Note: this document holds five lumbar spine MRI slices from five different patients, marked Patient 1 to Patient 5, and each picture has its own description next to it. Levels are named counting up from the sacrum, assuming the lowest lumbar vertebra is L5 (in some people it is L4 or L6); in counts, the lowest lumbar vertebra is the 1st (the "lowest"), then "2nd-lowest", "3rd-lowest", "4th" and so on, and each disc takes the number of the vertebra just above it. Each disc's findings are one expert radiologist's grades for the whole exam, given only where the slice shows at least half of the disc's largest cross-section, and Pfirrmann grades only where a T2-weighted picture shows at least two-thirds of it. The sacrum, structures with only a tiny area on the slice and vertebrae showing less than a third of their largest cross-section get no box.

Patient 1 of 5:
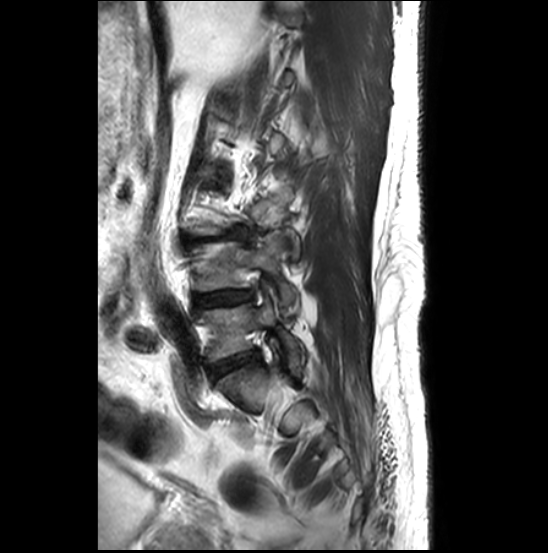

Sagittal T2-weighted lumbar spine MRI; Slice 8/27; Patient sex: M
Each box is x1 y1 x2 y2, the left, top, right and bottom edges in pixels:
L4/L5 at 196 290 251 307.
Disc L3/L4 at 182 227 246 246.
L4 vertebra at 192 236 300 316.
L5 vertebra at 198 287 301 375.
Disc L5/S1 at 211 351 257 378.

Per-level radiological findings:
  L3/L4: Modic type II, spondylolisthesis, upper-endplate change, disc herniation, lower-endplate change, disc narrowing
  L4/L5: disc narrowing, lower-endplate change, disc bulging, upper-endplate change, Modic type II

Patient 2 of 5:
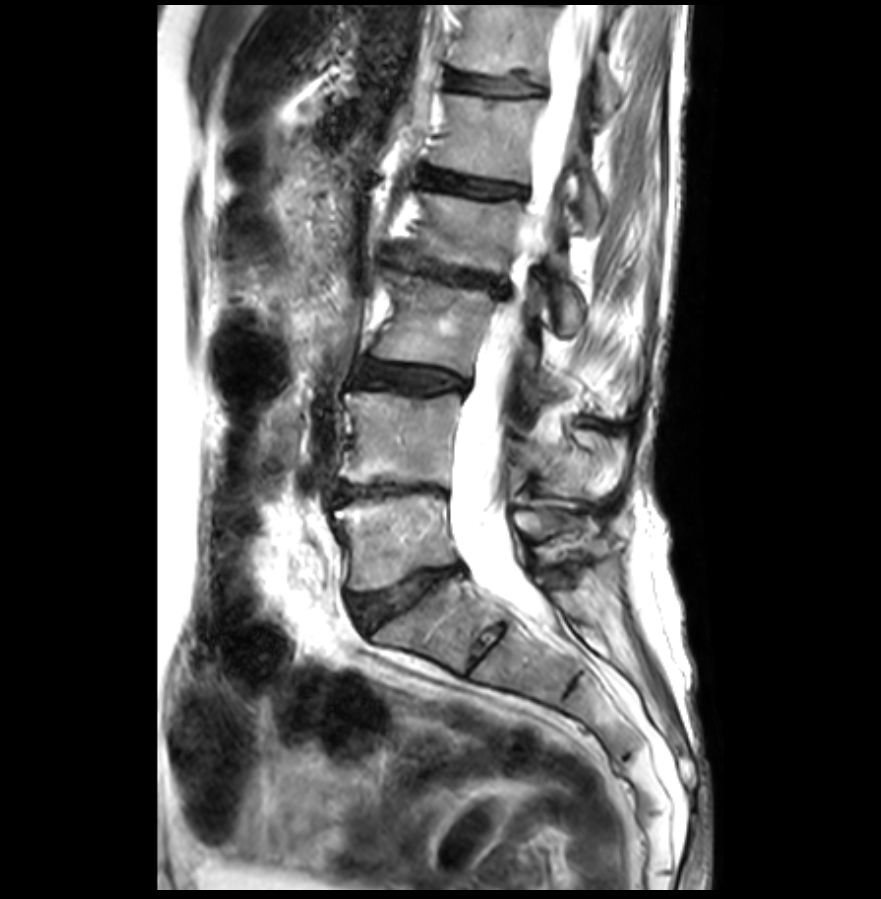

Patient sex: F. Sagittal T2-weighted lumbar spine MRI. Slice 14/31.
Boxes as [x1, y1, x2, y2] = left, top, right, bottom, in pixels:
lowest disc: [350, 567, 459, 628]
5th vertebra: [431, 94, 601, 231]
3rd-lowest disc: [360, 362, 467, 392]
lowest vertebra: [336, 491, 581, 590]
5th disc: [425, 170, 526, 197]
spinal canal: [450, 5, 597, 619]
4th disc: [380, 252, 508, 295]
2nd-lowest vertebra: [342, 393, 571, 494]
4th vertebra: [399, 192, 583, 333]
2nd-lowest disc: [338, 480, 447, 504]
6th vertebra: [452, 5, 621, 118]
3rd-lowest vertebra: [374, 270, 560, 395]
6th disc: [448, 73, 544, 95]

Radiological gradings:
  3rd-lowest disc: Pfirrmann grade 3, disc bulging, Modic type II
  6th disc: Pfirrmann grade 2, upper-endplate change, lower-endplate change
  2nd-lowest disc: disc narrowing, Modic type II, disc bulging
  4th disc: Pfirrmann grade 5, Modic type II, lower-endplate change, upper-endplate change, disc narrowing, disc herniation, disc bulging
  lowest disc: Pfirrmann grade 3, upper-endplate change, disc bulging, lower-endplate change, disc narrowing
  5th disc: Pfirrmann grade 2, Modic type II, upper-endplate change, lower-endplate change

Patient 3 of 5:
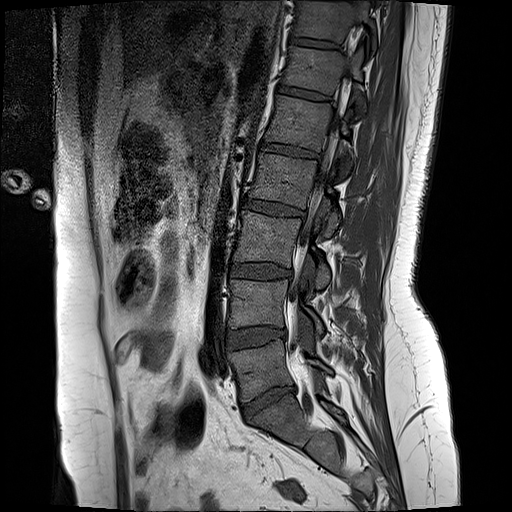 Slice spacing 3.3 mm. T1-weighted sagittal MRI of the lumbar spine. Slice 12 of 17.

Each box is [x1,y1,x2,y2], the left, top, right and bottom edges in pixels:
7th vertebra: [294,2,374,43]
thecal sac / spinal canal: [291,115,340,349]
6th vertebra: [283,47,362,94]
4th vertebra: [249,155,339,237]
5th vertebra: [266,96,348,152]
2nd-lowest disc: [228,328,285,349]
4th disc: [242,199,304,217]
lowest disc: [242,388,293,420]
6th disc: [278,86,330,104]
2nd-lowest vertebra: [230,280,324,335]
3rd-lowest vertebra: [234,212,329,289]
7th disc: [290,39,338,50]
3rd-lowest disc: [230,263,289,278]
lowest vertebra: [231,340,332,400]
5th disc: [262,144,317,158]

Degenerative findings by level:
  3rd-lowest disc: disc bulging
  4th disc: disc bulging, upper-endplate change, lower-endplate change
  6th disc: lower-endplate change, upper-endplate change
  5th disc: upper-endplate change, lower-endplate change
  2nd-lowest disc: disc bulging
  lowest disc: disc bulging, disc herniation, disc narrowing
  7th disc: no spondylolisthesis, narrowing, bulging, herniation, Modic or endplate change recorded

Patient 4 of 5:
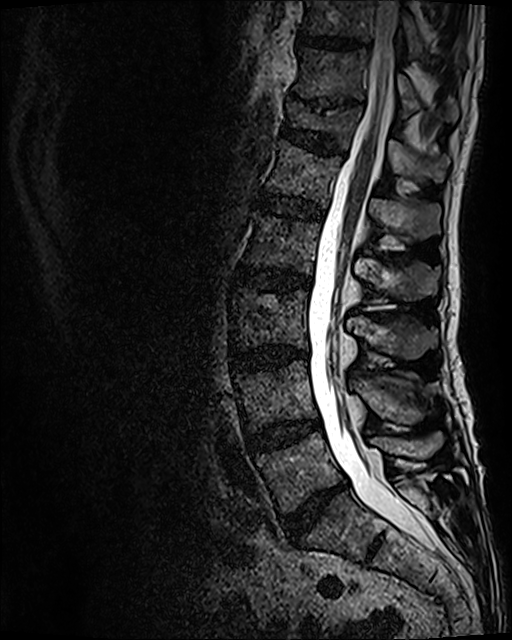 Field of view 240x300 mm. Sex M. Slice 59/120. MRI lumbar spine (T2 SPACE (3D)), sagittal plane.

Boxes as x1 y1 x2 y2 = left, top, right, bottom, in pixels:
{"thecal sac / spinal canal": "307 0 436 552", "2nd-lowest vertebra": "236 360 438 432", "8th vertebra": "303 0 464 67", "4th vertebra": "244 211 440 300", "6th vertebra": "283 101 450 182", "3rd-lowest disc": "230 347 307 370", "7th disc": "311 98 353 111", "lowest disc": "282 485 342 542", "7th vertebra": "292 48 458 122", "5th vertebra": "265 139 440 238", "8th disc": "298 36 360 48", "4th disc": "235 267 310 290", "6th disc": "281 126 343 154", "5th disc": "258 192 322 218", "3rd-lowest vertebra": "231 287 437 359", "2nd-lowest disc": "246 421 320 452", "lowest vertebra": "256 432 443 513"}

Expert MSK radiologist gradings (per disc):
  4th disc: Pfirrmann grade 3, Modic type II, disc bulging
  6th disc: Pfirrmann grade 3, upper-endplate change, lower-endplate change
  5th disc: Pfirrmann grade 3
  3rd-lowest disc: Pfirrmann grade 4, Modic type II, disc narrowing, disc bulging
  8th disc: Pfirrmann grade 3
  2nd-lowest disc: Pfirrmann grade 3, Modic type II, disc bulging
  7th disc: Pfirrmann grade 5, lower-endplate change, disc narrowing, upper-endplate change
  lowest disc: Pfirrmann grade 4, disc bulging, disc narrowing

Patient 5 of 5:
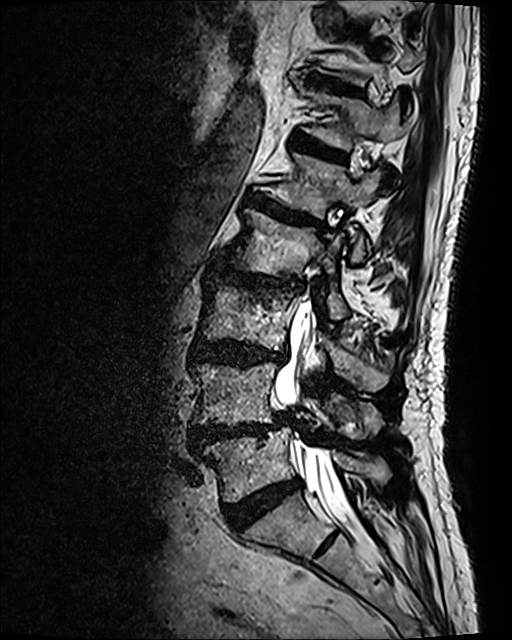 Sagittal T2 SPACE (3D) lumbar spine MRI | Field of view 240x300 mm, slice spacing 0.9 mm | Image 512x640
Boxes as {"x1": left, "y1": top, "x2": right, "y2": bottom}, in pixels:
Annotations:
- spinal canal at {"x1": 275, "y1": 303, "x2": 364, "y2": 532}
- T11/T12 at {"x1": 307, "y1": 73, "x2": 359, "y2": 94}
- T12 vertebra at {"x1": 300, "y1": 88, "x2": 410, "y2": 150}
- L5/S1 at {"x1": 224, "y1": 477, "x2": 301, "y2": 532}
- L2 at {"x1": 226, "y1": 208, "x2": 347, "y2": 320}
- disc T12/L1 at {"x1": 292, "y1": 136, "x2": 345, "y2": 161}
- disc L4/L5 at {"x1": 191, "y1": 412, "x2": 290, "y2": 450}
- L4 at {"x1": 191, "y1": 362, "x2": 383, "y2": 437}
- L3 vertebra at {"x1": 198, "y1": 278, "x2": 388, "y2": 391}
- L1 at {"x1": 271, "y1": 153, "x2": 382, "y2": 262}
- L5 vertebra at {"x1": 205, "y1": 427, "x2": 390, "y2": 501}
- disc L1/L2 at {"x1": 246, "y1": 194, "x2": 324, "y2": 228}
- disc L3/L4 at {"x1": 191, "y1": 339, "x2": 286, "y2": 365}
- disc L2/L3 at {"x1": 216, "y1": 263, "x2": 301, "y2": 291}

Degenerative findings by level:
• L4/L5: Pfirrmann grade 4, disc narrowing, upper-endplate change, disc bulging, Modic type II, lower-endplate change, spondylolisthesis, disc herniation
• T11/T12: disc bulging, lower-endplate change, upper-endplate change
• L3/L4: Pfirrmann grade 4, lower-endplate change, disc bulging, upper-endplate change
• L1/L2: Pfirrmann grade 4, lower-endplate change, Modic type II, upper-endplate change, disc bulging
• L2/L3: Pfirrmann grade 4, disc bulging, upper-endplate change, Modic type I, lower-endplate change, disc narrowing
• L5/S1: Pfirrmann grade 4